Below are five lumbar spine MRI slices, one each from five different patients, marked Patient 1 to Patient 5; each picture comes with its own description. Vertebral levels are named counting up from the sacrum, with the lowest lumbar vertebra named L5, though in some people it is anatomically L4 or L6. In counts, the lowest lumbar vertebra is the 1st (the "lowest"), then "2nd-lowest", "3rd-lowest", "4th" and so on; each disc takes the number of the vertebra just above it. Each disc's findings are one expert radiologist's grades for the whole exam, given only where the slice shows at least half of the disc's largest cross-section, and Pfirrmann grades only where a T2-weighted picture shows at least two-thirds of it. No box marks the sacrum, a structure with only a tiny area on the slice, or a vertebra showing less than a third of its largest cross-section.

Patient 1 of 5:
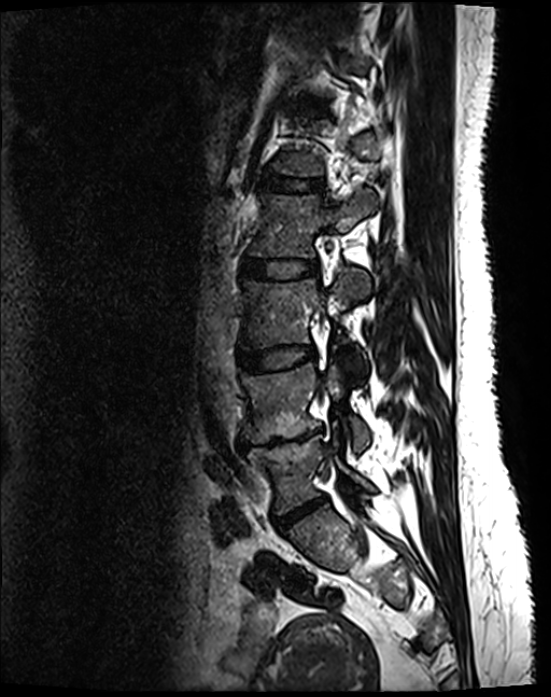
Sagittal T2 SPACE (3D) lumbar spine MRI | Slice 51/130
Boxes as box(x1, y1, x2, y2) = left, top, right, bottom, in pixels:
Segmented structures:
- L2/L3 at box(241, 260, 315, 278)
- L4/L5 at box(239, 431, 320, 450)
- L5/S1 at box(273, 496, 326, 529)
- L2 vertebra at box(250, 190, 376, 257)
- L4 vertebra at box(243, 364, 368, 451)
- L3/L4 at box(239, 346, 314, 371)
- L3 at box(243, 269, 367, 364)
- intervertebral disc L1/L2 at box(261, 175, 321, 190)
- L5 vertebra at box(247, 435, 371, 513)

Degenerative findings by level:
• L3/L4: Pfirrmann grade 2
• L2/L3: Pfirrmann grade 2
• L1/L2: Pfirrmann grade 2

Patient 2 of 5:
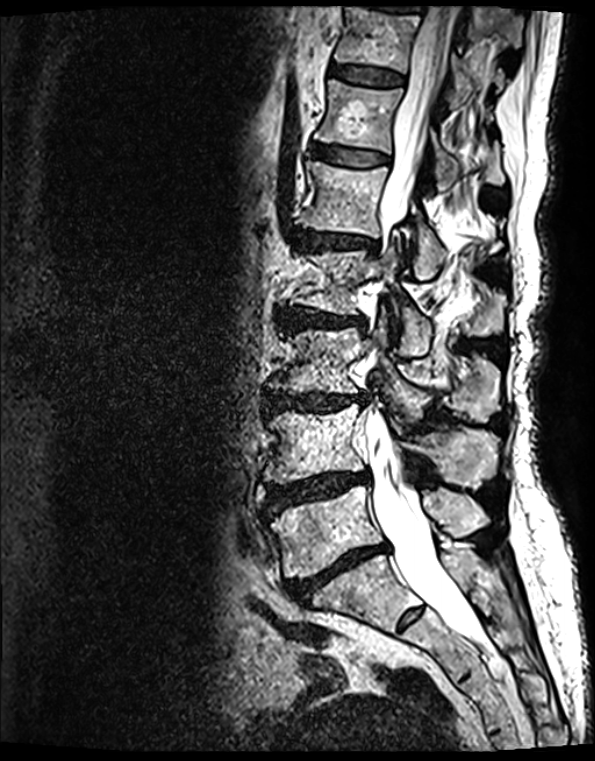
Field of view 240x307 mm, slice spacing 0.9 mm | MRI lumbar spine (T2 SPACE (3D)), sagittal plane | 595x761 px

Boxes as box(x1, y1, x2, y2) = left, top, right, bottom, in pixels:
L1/L2 at box(294, 231, 372, 248); T12 at box(315, 81, 502, 190); T12/L1 at box(313, 145, 384, 166); L3 at box(271, 318, 499, 421); L5 vertebra at box(271, 486, 490, 578); L4/L5 at box(267, 471, 369, 510); L1 at box(303, 163, 443, 279); T11 vertebra at box(335, 7, 502, 102); L3/L4 at box(265, 392, 364, 412); spinal canal at box(369, 7, 477, 641); IVD T11/T12 at box(330, 66, 402, 88); L2/L3 at box(283, 310, 357, 327); L4 at box(265, 404, 497, 488); L2 vertebra at box(291, 232, 501, 357); IVD L5/S1 at box(288, 544, 386, 602).

Per-level radiological findings:
  L5/S1: Pfirrmann grade 5, Modic type II, lower-endplate change, upper-endplate change, disc bulging, disc narrowing
  L2/L3: Modic type II, upper-endplate change, disc bulging, lower-endplate change, disc narrowing
  L4/L5: Pfirrmann grade 4, disc bulging, disc narrowing, upper-endplate change, disc herniation, Modic type II, lower-endplate change
  T11/T12: Pfirrmann grade 2, Modic type II, upper-endplate change, lower-endplate change
  L1/L2: Pfirrmann grade 4, Modic type II, disc narrowing, lower-endplate change, disc bulging, upper-endplate change
  T12/L1: Pfirrmann grade 2, upper-endplate change, Modic type II, lower-endplate change
  L3/L4: Pfirrmann grade 4, Modic type II, lower-endplate change, disc bulging, upper-endplate change, disc narrowing

Patient 3 of 5:
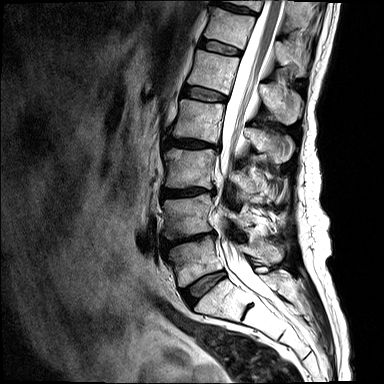 Field of view 280x280 mm, Slice 7 of 15, 384x384 px, Sagittal T2-weighted lumbar spine MRI, Sex M
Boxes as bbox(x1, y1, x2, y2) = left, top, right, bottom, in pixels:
lowest vertebra: bbox(167, 236, 261, 287)
spinal canal: bbox(217, 0, 283, 292)
6th disc: bbox(200, 38, 242, 56)
lowest disc: bbox(182, 272, 225, 306)
7th disc: bbox(212, 0, 256, 15)
2nd-lowest vertebra: bbox(163, 194, 250, 238)
5th vertebra: bbox(187, 49, 302, 124)
2nd-lowest disc: bbox(163, 232, 215, 249)
4th vertebra: bbox(173, 99, 289, 160)
3rd-lowest disc: bbox(162, 188, 216, 196)
5th disc: bbox(182, 86, 227, 101)
4th disc: bbox(166, 138, 219, 149)
7th vertebra: bbox(229, 0, 300, 28)
3rd-lowest vertebra: bbox(164, 148, 255, 200)
6th vertebra: bbox(204, 6, 308, 76)

Per-level radiological findings:
• 3rd-lowest disc: Pfirrmann grade 4, Modic type II, upper-endplate change, lower-endplate change, disc herniation, disc bulging, disc narrowing
• 4th disc: Pfirrmann grade 4, upper-endplate change, lower-endplate change, Modic type II, disc narrowing, disc bulging
• 2nd-lowest disc: lower-endplate change, upper-endplate change, disc narrowing, disc bulging, Modic type I
• lowest disc: Pfirrmann grade 3, Modic type II, disc bulging
• 7th disc: Pfirrmann grade 3, lower-endplate change, upper-endplate change
• 6th disc: Pfirrmann grade 3
• 5th disc: Pfirrmann grade 3

Patient 4 of 5:
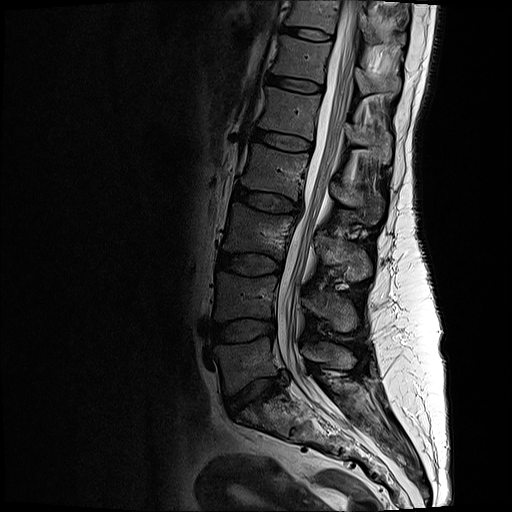
Sagittal slice index 9 | Patient sex: F | 512x512 px | T2-weighted sagittal MRI of the lumbar spine | Field of view 300x300 mm, slice spacing 3.3 mm
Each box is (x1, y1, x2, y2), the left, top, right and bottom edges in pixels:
L2 (4th vertebra): (240, 143, 385, 223).
L5 (lowest vertebra): (214, 337, 355, 393).
L1 (5th vertebra): (258, 86, 391, 162).
Spinal canal: (277, 0, 356, 416).
IVD T12/L1 (6th disc): (268, 74, 322, 91).
T11/T12 (7th disc): (281, 26, 331, 40).
L4 (2nd-lowest vertebra): (214, 272, 356, 330).
IVD L2/L3 (4th disc): (233, 186, 301, 213).
IVD L1/L2 (5th disc): (252, 129, 312, 149).
L3/L4 (3rd-lowest disc): (218, 252, 279, 274).
IVD L5/S1 (lowest disc): (227, 377, 281, 416).
T12 (6th vertebra): (273, 34, 401, 93).
IVD L4/L5 (2nd-lowest disc): (210, 321, 275, 341).
T11 (7th vertebra): (286, 0, 405, 44).
L3 (3rd-lowest vertebra): (222, 203, 370, 276).

Radiological gradings:
- T11/T12 (7th disc): Pfirrmann grade 2
- L2/L3 (4th disc): Pfirrmann grade 3, disc bulging
- L5/S1 (lowest disc): Pfirrmann grade 3, disc narrowing, lower-endplate change, disc herniation, upper-endplate change
- L4/L5 (2nd-lowest disc): Pfirrmann grade 3, disc bulging
- L1/L2 (5th disc): Pfirrmann grade 2
- L3/L4 (3rd-lowest disc): Pfirrmann grade 3
- T12/L1 (6th disc): Pfirrmann grade 2

Patient 5 of 5:
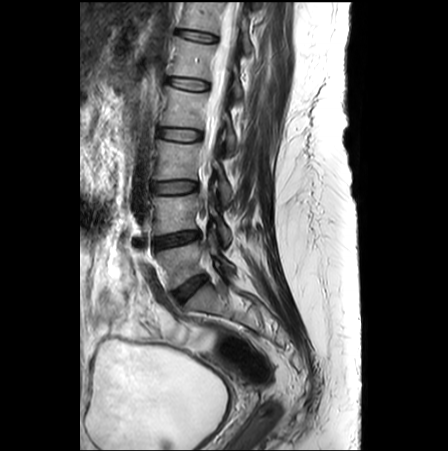 448x451 px; Patient sex: F; Sagittal T2-weighted lumbar spine MRI
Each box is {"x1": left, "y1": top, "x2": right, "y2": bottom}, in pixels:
{"spinal canal": {"x1": 204, "y1": 0, "x2": 240, "y2": 157}, "L5 vertebra": {"x1": 156, "y1": 233, "x2": 234, "y2": 287}, "L2 vertebra": {"x1": 161, "y1": 86, "x2": 234, "y2": 152}, "L4": {"x1": 151, "y1": 192, "x2": 230, "y2": 245}, "IVD L5/S1": {"x1": 174, "y1": 275, "x2": 206, "y2": 301}, "L3/L4": {"x1": 151, "y1": 181, "x2": 197, "y2": 193}, "L4/L5": {"x1": 154, "y1": 231, "x2": 200, "y2": 248}, "L3": {"x1": 153, "y1": 140, "x2": 231, "y2": 203}, "L1": {"x1": 167, "y1": 36, "x2": 243, "y2": 97}, "T12/L1": {"x1": 178, "y1": 30, "x2": 216, "y2": 42}, "T12": {"x1": 181, "y1": 2, "x2": 251, "y2": 53}, "L2/L3": {"x1": 159, "y1": 129, "x2": 201, "y2": 140}, "L1/L2": {"x1": 168, "y1": 77, "x2": 208, "y2": 90}}

Degenerative findings by level:
- T12/L1: Pfirrmann grade 1
- L3/L4: Pfirrmann grade 1
- L5/S1: Pfirrmann grade 3
- L2/L3: Pfirrmann grade 1
- L4/L5: Pfirrmann grade 4, disc narrowing
- L1/L2: Pfirrmann grade 1, upper-endplate change, Modic type II, lower-endplate change